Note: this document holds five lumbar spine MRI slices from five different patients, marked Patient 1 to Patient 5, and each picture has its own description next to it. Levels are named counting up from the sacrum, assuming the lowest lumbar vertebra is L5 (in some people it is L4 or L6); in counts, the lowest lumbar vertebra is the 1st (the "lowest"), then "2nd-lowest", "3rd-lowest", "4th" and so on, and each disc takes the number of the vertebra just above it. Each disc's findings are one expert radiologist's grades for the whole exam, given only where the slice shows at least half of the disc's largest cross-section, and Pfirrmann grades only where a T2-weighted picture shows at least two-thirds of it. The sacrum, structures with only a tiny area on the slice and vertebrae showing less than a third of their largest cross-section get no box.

Patient 1 of 5:
Philips Healthcare Ingenia (3T). Sex F. Lumbar spine MR, T1-weighted, sagittal. 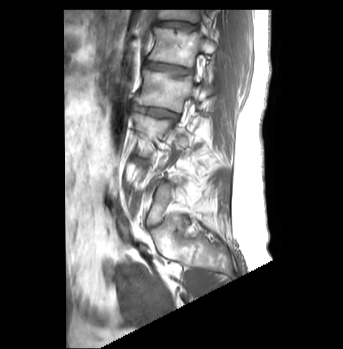
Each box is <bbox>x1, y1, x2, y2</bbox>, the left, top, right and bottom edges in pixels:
disc L1/L2: <bbox>144, 60, 191, 75</bbox> | T12 vertebra: <bbox>158, 10, 201, 22</bbox> | L1 vertebra: <bbox>148, 27, 217, 67</bbox> | L2 vertebra: <bbox>136, 70, 202, 112</bbox> | L5: <bbox>147, 182, 170, 224</bbox> | disc T12/L1: <bbox>157, 21, 197, 30</bbox> | disc L2/L3: <bbox>134, 105, 178, 121</bbox>

Degenerative findings by level:
• L2/L3: disc bulging, Modic type II, disc narrowing, lower-endplate change
• T12/L1: upper-endplate change
• L1/L2: upper-endplate change

Patient 2 of 5:
Field of view 240x308 mm; Sagittal T2 SPACE (3D) lumbar spine MRI; Slice 43 of 154

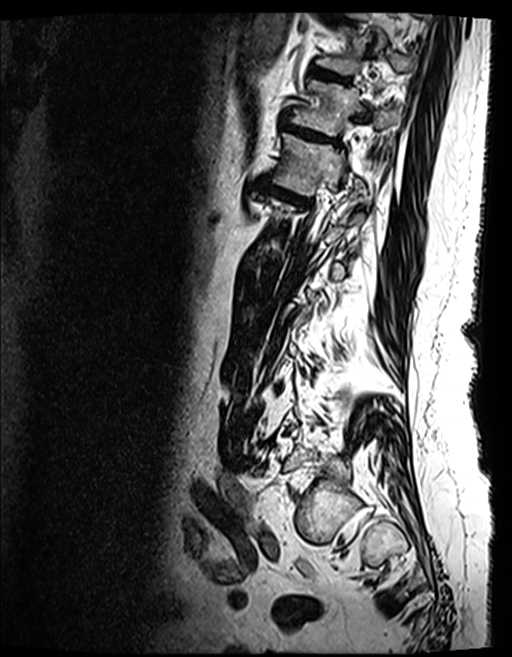

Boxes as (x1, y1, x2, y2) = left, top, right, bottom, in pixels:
7th vertebra at (291, 81, 398, 135), 8th disc at (312, 68, 348, 82), 6th disc at (269, 187, 303, 201), 6th vertebra at (274, 133, 361, 195), 8th vertebra at (316, 28, 414, 74), 9th disc at (322, 10, 342, 21), 7th disc at (283, 125, 335, 142).

Per-level radiological findings:
- 7th disc: Pfirrmann grade 5, upper-endplate change, Modic type II, lower-endplate change, disc bulging, disc narrowing

Patient 3 of 5:
Field of view 280x281 mm | Philips Healthcare Ingenia (3T) | Lumbar spine MR, T1-weighted, sagittal | 477x478 px 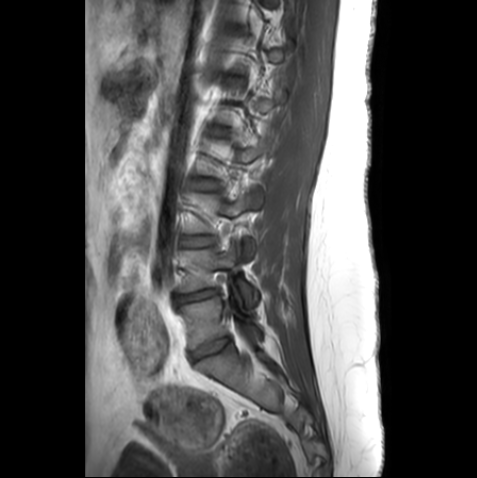

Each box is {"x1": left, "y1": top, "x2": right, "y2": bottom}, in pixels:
Segmented structures:
* 3rd-lowest vertebra at {"x1": 186, "y1": 188, "x2": 262, "y2": 256}
* 4th disc at {"x1": 190, "y1": 179, "x2": 215, "y2": 189}
* 3rd-lowest disc at {"x1": 181, "y1": 235, "x2": 214, "y2": 246}
* lowest disc at {"x1": 193, "y1": 337, "x2": 230, "y2": 359}
* lowest vertebra at {"x1": 180, "y1": 297, "x2": 260, "y2": 347}
* 2nd-lowest vertebra at {"x1": 179, "y1": 244, "x2": 258, "y2": 306}
* 2nd-lowest disc at {"x1": 176, "y1": 289, "x2": 218, "y2": 303}

Expert MSK radiologist gradings (per disc):
• 2nd-lowest disc: disc narrowing, disc bulging
• 3rd-lowest disc, lowest disc: no Modic or endplate change, herniation, narrowing, bulging or spondylolisthesis recorded

Patient 4 of 5:
547x552 px | MRI lumbar spine (T1-weighted), sagittal plane | Slice 14/27
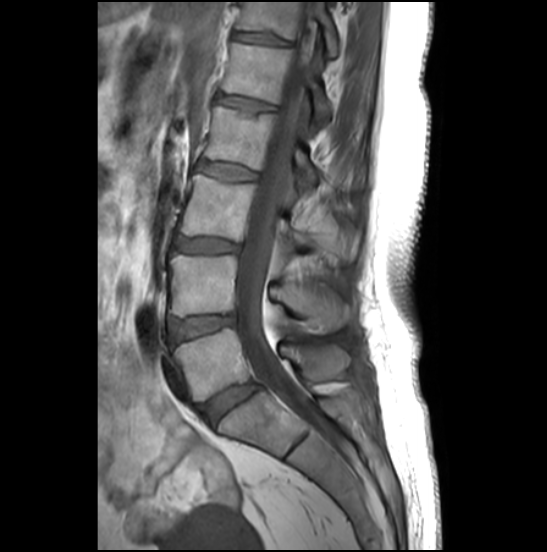

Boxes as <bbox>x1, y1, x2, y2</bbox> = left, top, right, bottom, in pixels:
L4 vertebra — <bbox>170, 253, 350, 332</bbox> | L3/L4 — <bbox>173, 238, 237, 252</bbox> | L2 — <bbox>204, 107, 343, 191</bbox> | L5 — <bbox>172, 327, 351, 401</bbox> | L5/S1 — <bbox>198, 382, 259, 424</bbox> | T12/L1 — <bbox>235, 33, 286, 45</bbox> | L1/L2 — <bbox>217, 94, 273, 114</bbox> | L3 — <bbox>178, 175, 353, 264</bbox> | L1 — <bbox>221, 43, 330, 129</bbox> | L4/L5 — <bbox>169, 315, 234, 341</bbox> | L2/L3 — <bbox>195, 162, 256, 182</bbox> | thecal sac / spinal canal — <bbox>236, 17, 315, 419</bbox> | T12 — <bbox>237, 2, 337, 58</bbox>

Per-level radiological findings:
• T12/L1: upper-endplate change, lower-endplate change
• L3/L4: disc bulging
• L1/L2: upper-endplate change
• L4/L5: disc bulging
• L5/S1: disc bulging
• L2/L3: no spondylolisthesis, narrowing, bulging, herniation, Modic or endplate change recorded

Patient 5 of 5:
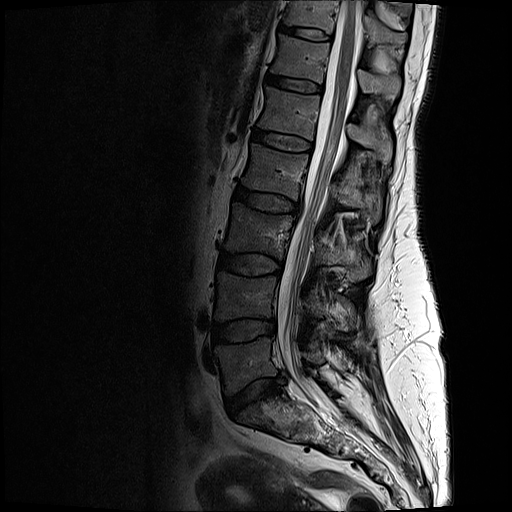 Image 512x512; Patient sex: F; Sagittal slice index 8; Lumbar spine MR, T2-weighted, sagittal

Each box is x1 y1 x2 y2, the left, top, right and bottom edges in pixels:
L5/S1 (lowest disc) — 227 376 281 414.
L3 (3rd-lowest vertebra) — 223 203 370 279.
Thecal sac / spinal canal — 277 0 361 411.
T12/L1 (6th disc) — 266 74 321 91.
T12 (6th vertebra) — 271 34 401 97.
L4/L5 (2nd-lowest disc) — 211 318 275 341.
T11/T12 (7th disc) — 278 24 331 41.
L5 (lowest vertebra) — 217 338 321 393.
Intervertebral disc L1/L2 (5th disc) — 252 129 312 149.
L4 (2nd-lowest vertebra) — 214 272 355 329.
L1 (5th vertebra) — 258 86 392 163.
T11 (7th vertebra) — 283 0 407 46.
L2 (4th vertebra) — 242 143 381 222.
L2/L3 (4th disc) — 234 186 299 213.
Intervertebral disc L3/L4 (3rd-lowest disc) — 219 252 280 274.

Radiological gradings:
  L4/L5 (2nd-lowest disc): Pfirrmann grade 3, disc bulging
  L3/L4 (3rd-lowest disc): Pfirrmann grade 3
  L1/L2 (5th disc): Pfirrmann grade 2
  T12/L1 (6th disc): Pfirrmann grade 2
  L5/S1 (lowest disc): Pfirrmann grade 3, upper-endplate change, disc herniation, lower-endplate change, disc narrowing
  T11/T12 (7th disc): Pfirrmann grade 2
  L2/L3 (4th disc): Pfirrmann grade 3, disc bulging